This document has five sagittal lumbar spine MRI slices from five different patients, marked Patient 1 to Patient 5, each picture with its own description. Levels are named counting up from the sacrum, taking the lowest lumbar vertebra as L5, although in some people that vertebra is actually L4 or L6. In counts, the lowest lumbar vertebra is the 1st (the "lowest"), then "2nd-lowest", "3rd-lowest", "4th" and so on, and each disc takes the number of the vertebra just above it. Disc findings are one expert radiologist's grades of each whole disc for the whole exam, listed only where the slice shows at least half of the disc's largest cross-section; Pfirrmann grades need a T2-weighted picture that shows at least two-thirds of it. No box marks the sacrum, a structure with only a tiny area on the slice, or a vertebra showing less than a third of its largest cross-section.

Patient 1 of 5:
Field of view 260x262 mm, Lumbar spine MR, T2-weighted, sagittal, 483x486 px 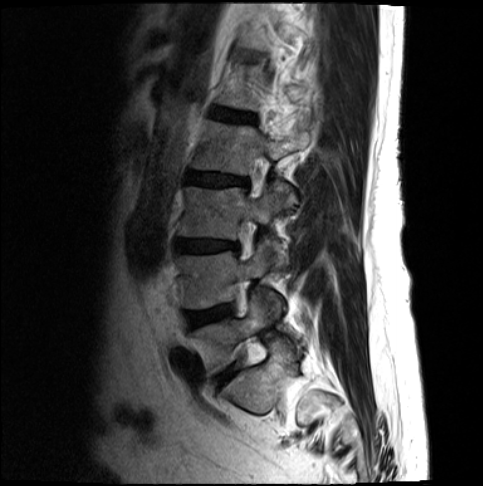
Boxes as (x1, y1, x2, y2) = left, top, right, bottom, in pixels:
IVD L2/L3 = (185, 173, 248, 186).
L4/L5 = (187, 306, 228, 326).
IVD L1/L2 = (211, 111, 250, 122).
L3/L4 = (176, 241, 236, 251).
L5 = (195, 296, 265, 372).
L4 vertebra = (177, 243, 279, 310).
L2 vertebra = (191, 122, 307, 175).
L3 = (177, 183, 293, 263).

Expert MSK radiologist gradings (per disc):
- L3/L4: Pfirrmann grade 4, disc narrowing, disc bulging
- L2/L3: Pfirrmann grade 4, disc bulging

Patient 2 of 5:
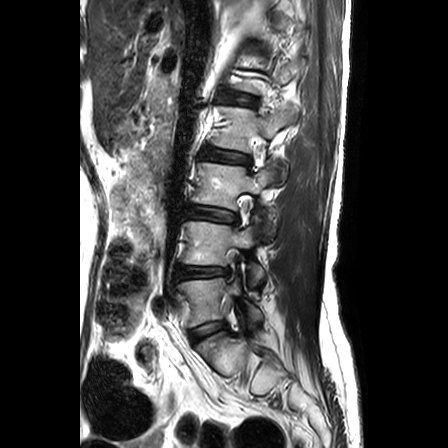
Lumbar spine MR, T2-weighted, sagittal | Field of view 280x280 mm, slice spacing 3.3 mm
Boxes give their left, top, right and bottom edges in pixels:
IVD L4/L5 at left=175, top=265, right=230, bottom=279; L5 vertebra at left=178, top=263, right=262, bottom=329; L5/S1 at left=190, top=321, right=225, bottom=342; L2/L3 at left=204, top=150, right=249, bottom=163; IVD L1/L2 at left=228, top=94, right=254, bottom=105; L3/L4 at left=187, top=206, right=237, bottom=223; L3 vertebra at left=193, top=162, right=276, bottom=241; L2 at left=215, top=105, right=298, bottom=184; L4 at left=183, top=221, right=263, bottom=286.

Degenerative findings by level:
  L4/L5: Pfirrmann grade 3, upper-endplate change, disc narrowing, lower-endplate change, disc herniation
  L3/L4: Pfirrmann grade 3, upper-endplate change, disc bulging, lower-endplate change
  L2/L3: Pfirrmann grade 3, lower-endplate change, Modic type II, disc bulging, upper-endplate change

Patient 3 of 5:
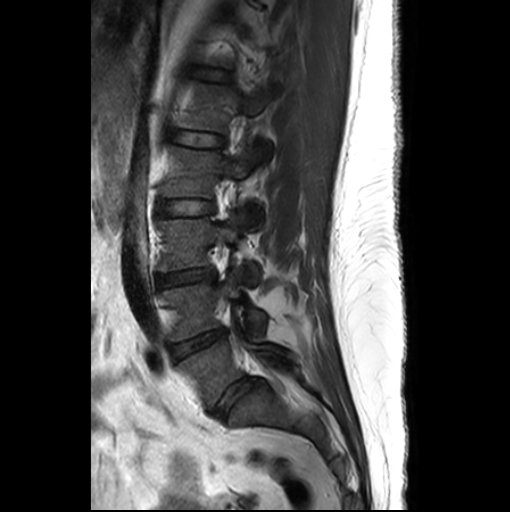

T2-weighted sagittal MRI of the lumbar spine | 510x512 px

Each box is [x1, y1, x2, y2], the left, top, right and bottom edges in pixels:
Lowest vertebra — [176, 339, 290, 407].
4th disc — [157, 200, 213, 216].
3rd-lowest vertebra — [158, 213, 261, 285].
6th disc — [192, 68, 230, 80].
2nd-lowest vertebra — [160, 269, 266, 341].
5th vertebra — [176, 81, 274, 132].
5th disc — [169, 130, 224, 148].
4th vertebra — [160, 146, 270, 230].
Lowest disc — [212, 378, 262, 417].
2nd-lowest disc — [171, 329, 226, 359].
3rd-lowest disc — [157, 268, 214, 287].

Per-level radiological findings:
  4th disc: Pfirrmann grade 1
  5th disc: Pfirrmann grade 1
  lowest disc: Pfirrmann grade 3, disc bulging
  2nd-lowest disc: Pfirrmann grade 3, disc bulging, disc narrowing
  3rd-lowest disc: Pfirrmann grade 3, disc narrowing, disc bulging
  6th disc: no Modic or endplate change, herniation, narrowing, bulging or spondylolisthesis recorded

Patient 4 of 5:
Lumbar spine MR, T1-weighted, sagittal; Image 448x456 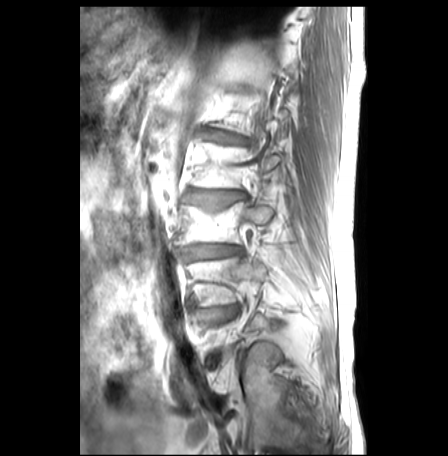 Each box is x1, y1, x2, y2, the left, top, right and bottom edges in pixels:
{"3rd-lowest vertebra": "174, 200, 280, 245", "4th disc": "185, 191, 245, 213", "5th disc": "200, 129, 243, 143", "2nd-lowest disc": "205, 308, 237, 319", "2nd-lowest vertebra": "185, 246, 278, 308", "4th vertebra": "190, 143, 280, 188", "3rd-lowest disc": "181, 245, 240, 262"}

Degenerative findings by level:
  4th disc: disc narrowing, lower-endplate change, disc bulging, Modic type II, upper-endplate change
  5th disc: upper-endplate change, lower-endplate change, Modic type II, disc bulging
  3rd-lowest disc: Modic type II, lower-endplate change, upper-endplate change, disc narrowing, disc bulging

Patient 5 of 5:
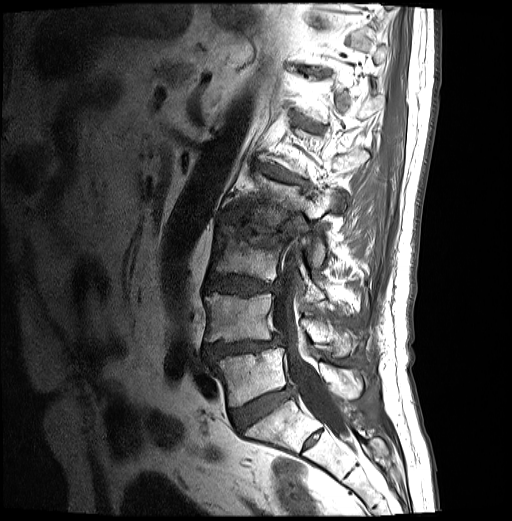
Patient sex: M; T1-weighted sagittal MRI of the lumbar spine

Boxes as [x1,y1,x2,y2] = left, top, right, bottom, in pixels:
Annotations:
- 2nd-lowest vertebra = [205,292,353,355]
- 4th vertebra = [231,173,336,267]
- 3rd-lowest disc = [205,275,277,294]
- lowest vertebra = [216,348,362,406]
- 2nd-lowest disc = [205,336,280,361]
- spinal canal = [272,247,346,435]
- 3rd-lowest vertebra = [210,227,324,301]
- 5th disc = [258,165,307,186]
- 4th disc = [219,216,291,246]
- lowest disc = [231,388,290,429]

Radiological gradings:
  3rd-lowest disc: upper-endplate change, disc bulging, lower-endplate change
  5th disc: lower-endplate change, disc bulging, upper-endplate change, Modic type II
  4th disc: disc bulging, Modic type I, lower-endplate change, disc narrowing, upper-endplate change
  2nd-lowest disc: disc narrowing, disc bulging, lower-endplate change, disc herniation, upper-endplate change, Modic type II, spondylolisthesis
  lowest disc: no herniation, bulging, narrowing, spondylolisthesis, endplate or Modic change recorded